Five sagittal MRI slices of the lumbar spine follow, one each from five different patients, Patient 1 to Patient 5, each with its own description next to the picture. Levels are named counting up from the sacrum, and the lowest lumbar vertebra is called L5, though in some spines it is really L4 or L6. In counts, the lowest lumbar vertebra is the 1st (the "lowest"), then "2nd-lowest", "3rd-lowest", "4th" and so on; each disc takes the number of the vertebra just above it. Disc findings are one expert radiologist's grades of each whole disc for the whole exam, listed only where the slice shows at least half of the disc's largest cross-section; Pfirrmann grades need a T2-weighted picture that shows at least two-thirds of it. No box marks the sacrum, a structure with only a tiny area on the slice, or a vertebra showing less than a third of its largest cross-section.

Patient 1 of 5:
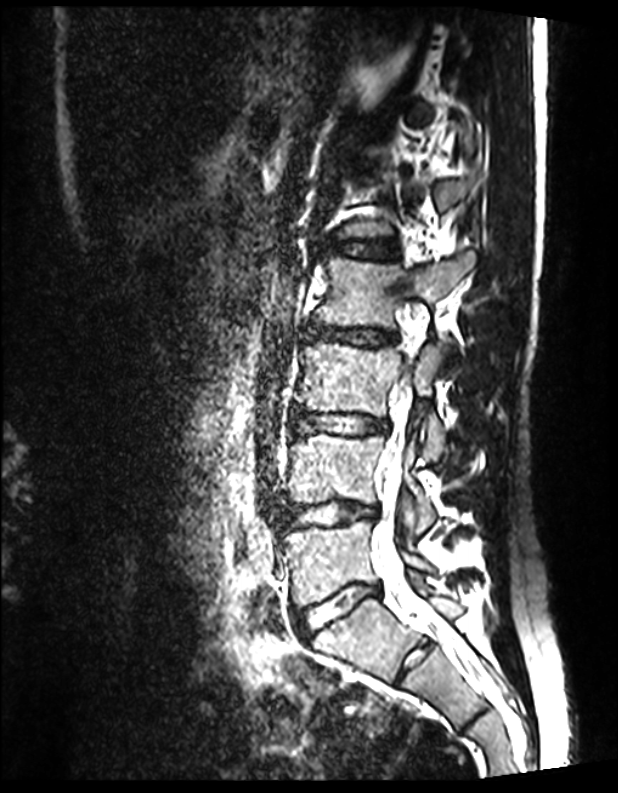 Patient sex: M, Sagittal T2 SPACE (3D) lumbar spine MRI, Field of view 240x308 mm
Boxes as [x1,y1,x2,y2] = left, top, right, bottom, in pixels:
Structures:
* thecal sac / spinal canal: [372,337,483,684]
* L5: [284,520,433,606]
* IVD L4/L5: [278,501,376,528]
* IVD L1/L2: [320,239,400,258]
* L2: [315,249,474,375]
* L5/S1: [295,585,379,637]
* L3: [295,343,447,460]
* L3/L4: [290,411,387,434]
* L2/L3: [306,324,396,346]
* L4: [287,433,436,534]

Radiological gradings:
• L5/S1: Pfirrmann grade 1
• L4/L5: Pfirrmann grade 1
• L3/L4: Pfirrmann grade 1
• L2/L3: Pfirrmann grade 1
• L1/L2: Pfirrmann grade 1

Patient 2 of 5:
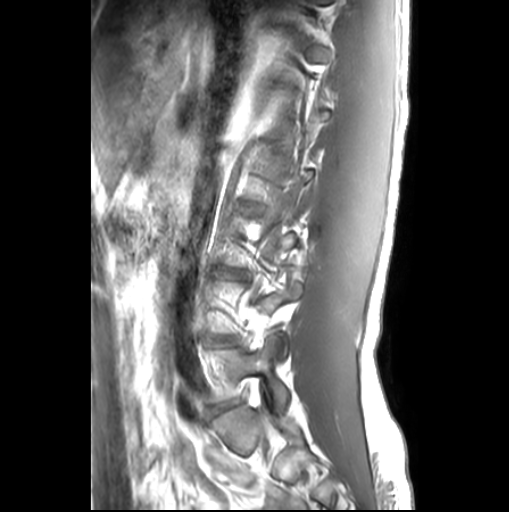 Sagittal slice index 6. T1-weighted sagittal MRI of the lumbar spine. Slice spacing 3.3 mm.
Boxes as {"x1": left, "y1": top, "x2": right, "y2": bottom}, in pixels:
Segmented structures:
* L5 vertebra = {"x1": 207, "y1": 335, "x2": 288, "y2": 408}
* disc L5/S1 = {"x1": 209, "y1": 398, "x2": 239, "y2": 414}

Patient 3 of 5:
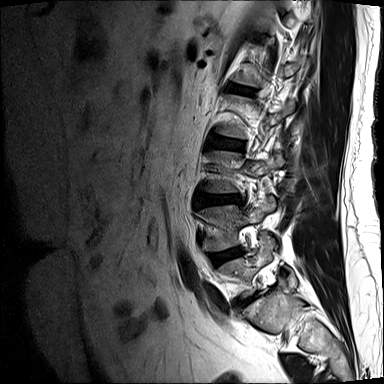
MRI lumbar spine (T2-weighted), sagittal plane; Field of view 280x280 mm, slice spacing 4.8 mm

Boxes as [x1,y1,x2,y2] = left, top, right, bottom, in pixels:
L3/L4: [198,196,240,205].
L2/L3: [212,138,240,149].
L5/S1: [239,294,256,305].
L4/L5: [212,247,242,263].
L5 vertebra: [216,232,295,297].
Disc L1/L2: [229,85,253,95].
L4: [199,196,275,251].

Degenerative findings by level:
• L3/L4: disc bulging

Patient 4 of 5:
MRI lumbar spine (T1-weighted), sagittal plane | Philips Healthcare Ingenia (3T) | Field of view 280x281 mm
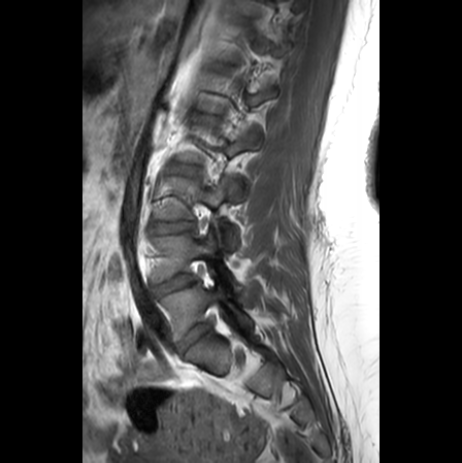
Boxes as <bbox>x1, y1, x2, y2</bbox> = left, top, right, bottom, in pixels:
3rd-lowest disc at <bbox>151, 221, 193, 233</bbox>, lowest disc at <bbox>177, 323, 211, 352</bbox>, 5th disc at <bbox>191, 113, 216, 121</bbox>, 2nd-lowest vertebra at <bbox>153, 234, 234, 289</bbox>, lowest vertebra at <bbox>161, 274, 252, 339</bbox>, 4th disc at <bbox>170, 164, 197, 174</bbox>, 2nd-lowest disc at <bbox>153, 275, 189, 295</bbox>, 3rd-lowest vertebra at <bbox>154, 177, 234, 246</bbox>.

Expert MSK radiologist gradings (per disc):
• lowest disc: disc narrowing, disc bulging
• 2nd-lowest disc: disc narrowing, disc bulging
• 3rd-lowest disc: no herniation, bulging, narrowing, spondylolisthesis, endplate or Modic change recorded

Patient 5 of 5:
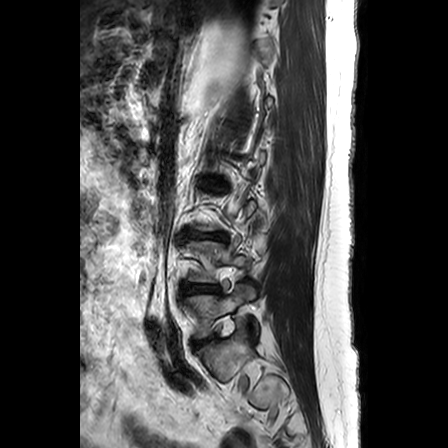
Sagittal slice index 5, Lumbar spine MR, T2-weighted, sagittal, Image 448x448

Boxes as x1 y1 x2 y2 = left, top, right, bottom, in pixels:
{"L5/S1 (lowest disc)": "197 338 210 345", "L3/L4 (3rd-lowest disc)": "186 230 224 239", "L5 (lowest vertebra)": "186 284 259 340", "intervertebral disc L4/L5 (2nd-lowest disc)": "184 285 216 293"}